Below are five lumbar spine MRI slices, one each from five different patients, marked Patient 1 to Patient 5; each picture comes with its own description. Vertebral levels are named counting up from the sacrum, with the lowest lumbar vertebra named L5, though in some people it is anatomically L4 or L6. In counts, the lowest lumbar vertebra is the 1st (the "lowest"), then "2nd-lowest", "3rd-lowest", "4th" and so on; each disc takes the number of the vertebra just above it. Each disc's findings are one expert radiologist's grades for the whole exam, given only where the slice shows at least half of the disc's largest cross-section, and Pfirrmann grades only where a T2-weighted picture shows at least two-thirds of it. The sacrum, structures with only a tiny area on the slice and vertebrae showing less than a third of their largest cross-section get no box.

Patient 1 of 5:
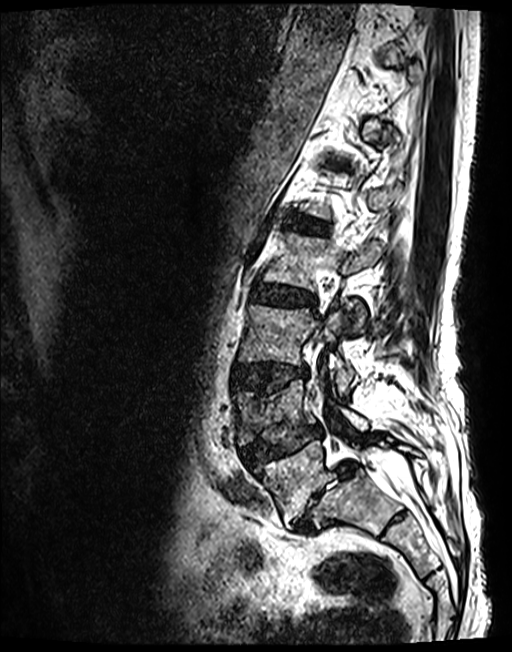 T2 SPACE (3D) sagittal MRI of the lumbar spine | 512x652 px

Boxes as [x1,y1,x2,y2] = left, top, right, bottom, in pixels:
L5 vertebra = [254,440,419,522] | L2 = [263,234,381,329] | thecal sac / spinal canal = [368,449,374,464] | IVD L3/L4 = [233,364,307,394] | IVD L5/S1 = [291,461,356,533] | L2/L3 = [252,285,315,306] | L4 = [233,380,368,445] | L3 = [240,305,353,393] | L4/L5 = [242,426,323,465] | IVD L1/L2 = [288,216,324,232]

Radiological gradings:
- L5/S1: Pfirrmann grade 5, disc herniation, disc narrowing, Modic type II, spondylolisthesis
- L3/L4: Pfirrmann grade 3, upper-endplate change, disc bulging, lower-endplate change
- L2/L3: Pfirrmann grade 3, disc bulging
- L4/L5: Pfirrmann grade 3, disc herniation, disc narrowing, spondylolisthesis, upper-endplate change, lower-endplate change

Patient 2 of 5:
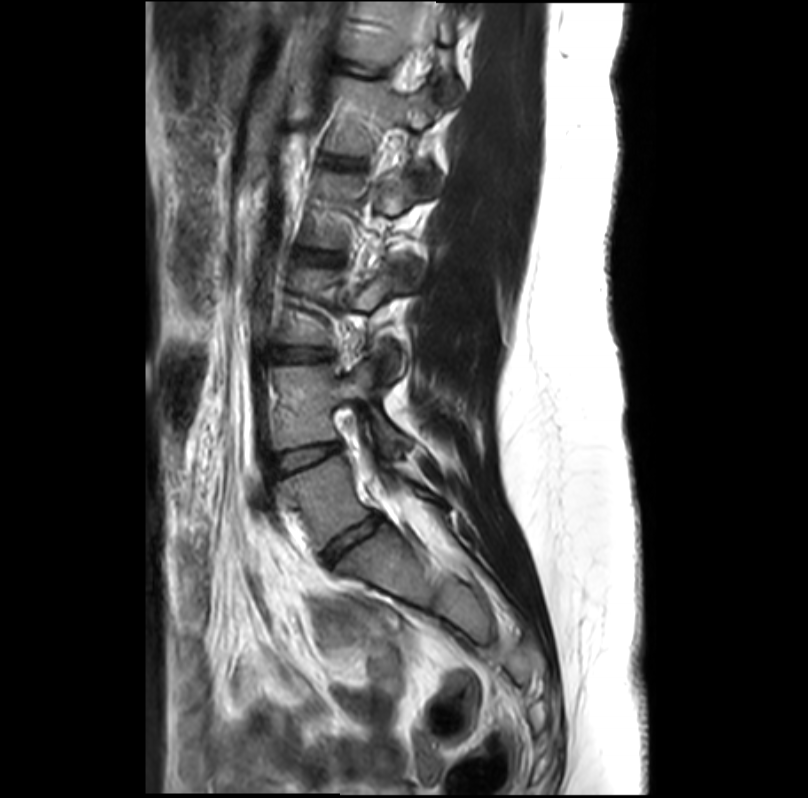 Sagittal slice index 12; MRI lumbar spine (T2-weighted), sagittal plane
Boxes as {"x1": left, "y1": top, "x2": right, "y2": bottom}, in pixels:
Annotations:
* L5 (lowest vertebra): {"x1": 278, "y1": 457, "x2": 446, "y2": 549}
* L3/L4 (3rd-lowest disc): {"x1": 274, "y1": 349, "x2": 328, "y2": 361}
* T12/L1 (6th disc): {"x1": 339, "y1": 62, "x2": 381, "y2": 76}
* L4/L5 (2nd-lowest disc): {"x1": 277, "y1": 443, "x2": 338, "y2": 471}
* L1/L2 (5th disc): {"x1": 325, "y1": 156, "x2": 356, "y2": 167}
* spinal canal: {"x1": 386, "y1": 11, "x2": 434, "y2": 496}
* intervertebral disc L2/L3 (4th disc): {"x1": 303, "y1": 252, "x2": 328, "y2": 262}
* T12 (6th vertebra): {"x1": 343, "y1": 5, "x2": 465, "y2": 103}
* L4 (2nd-lowest vertebra): {"x1": 273, "y1": 362, "x2": 405, "y2": 456}
* L5/S1 (lowest disc): {"x1": 324, "y1": 515, "x2": 381, "y2": 561}
* L1 (5th vertebra): {"x1": 326, "y1": 78, "x2": 435, "y2": 155}

Radiological gradings:
  L5/S1 (lowest disc): Pfirrmann grade 3, disc narrowing
  L4/L5 (2nd-lowest disc): no herniation, bulging, narrowing, spondylolisthesis, endplate or Modic change recorded

Patient 3 of 5:
Sagittal T2-weighted lumbar spine MRI | Field of view 300x300 mm
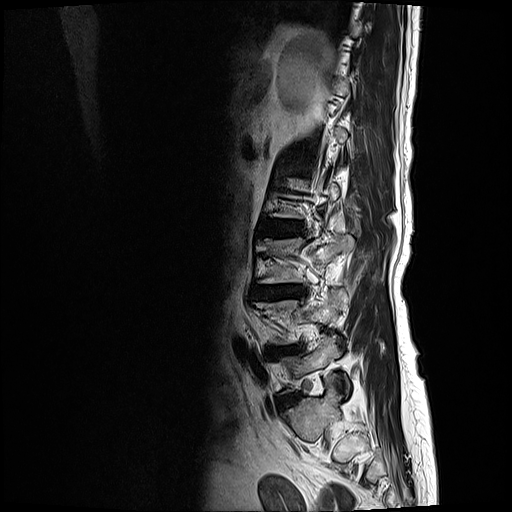

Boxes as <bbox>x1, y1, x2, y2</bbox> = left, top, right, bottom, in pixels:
intervertebral disc L4/L5: <bbox>267, 345, 302, 357</bbox>
L5 vertebra: <bbox>279, 335, 350, 394</bbox>
L3: <bbox>259, 235, 354, 283</bbox>
intervertebral disc L3/L4: <bbox>252, 284, 305, 298</bbox>
L4 vertebra: <bbox>255, 289, 347, 344</bbox>
L5/S1: <bbox>280, 394, 298, 405</bbox>
intervertebral disc L2/L3: <bbox>268, 223, 303, 234</bbox>

Expert MSK radiologist gradings (per disc):
  L3/L4: Pfirrmann grade 4, disc narrowing, lower-endplate change, Modic type II, disc bulging, upper-endplate change

Patient 4 of 5:
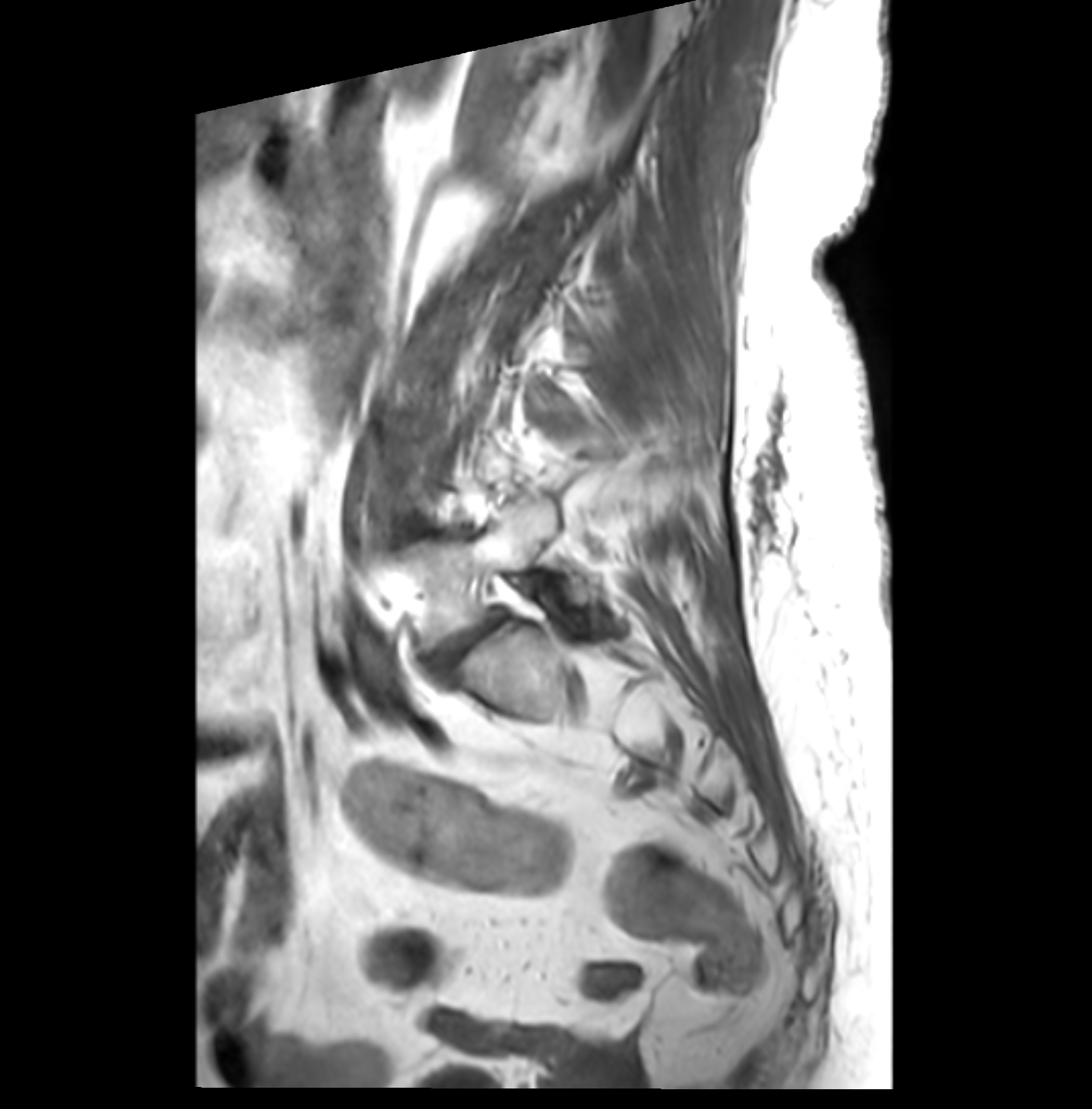

Lumbar spine MR, T1-weighted, sagittal

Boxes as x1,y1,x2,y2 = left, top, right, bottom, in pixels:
L5/S1 — 433,613,502,668.
L5 vertebra — 407,499,603,645.

Patient 5 of 5:
T2 SPACE (3D) sagittal MRI of the lumbar spine | Slice 33 of 120 | Slice spacing 0.9 mm | 512x640 px

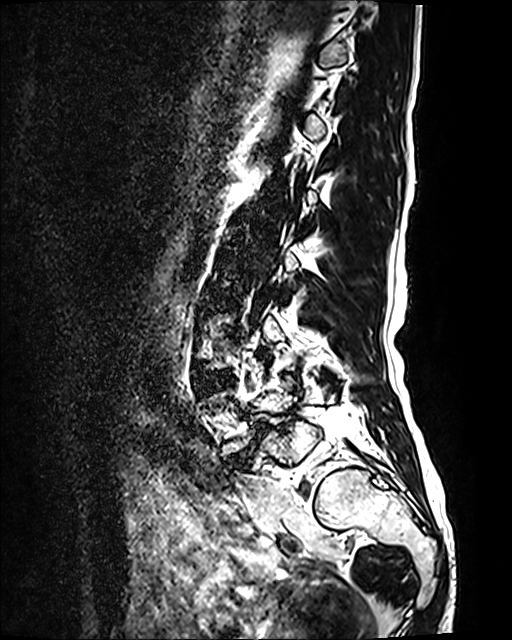

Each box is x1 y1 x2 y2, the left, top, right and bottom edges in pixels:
Segmented structures:
• lowest disc — 232 425 265 459
• 2nd-lowest disc — 208 373 229 391